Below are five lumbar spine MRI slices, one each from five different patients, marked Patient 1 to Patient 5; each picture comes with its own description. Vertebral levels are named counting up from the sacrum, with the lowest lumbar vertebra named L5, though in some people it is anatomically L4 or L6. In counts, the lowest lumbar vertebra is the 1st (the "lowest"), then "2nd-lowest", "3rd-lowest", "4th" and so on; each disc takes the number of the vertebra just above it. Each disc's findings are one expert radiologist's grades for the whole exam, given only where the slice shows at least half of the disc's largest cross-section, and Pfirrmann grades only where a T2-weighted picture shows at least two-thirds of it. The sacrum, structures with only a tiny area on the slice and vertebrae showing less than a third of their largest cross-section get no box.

Patient 1 of 5:
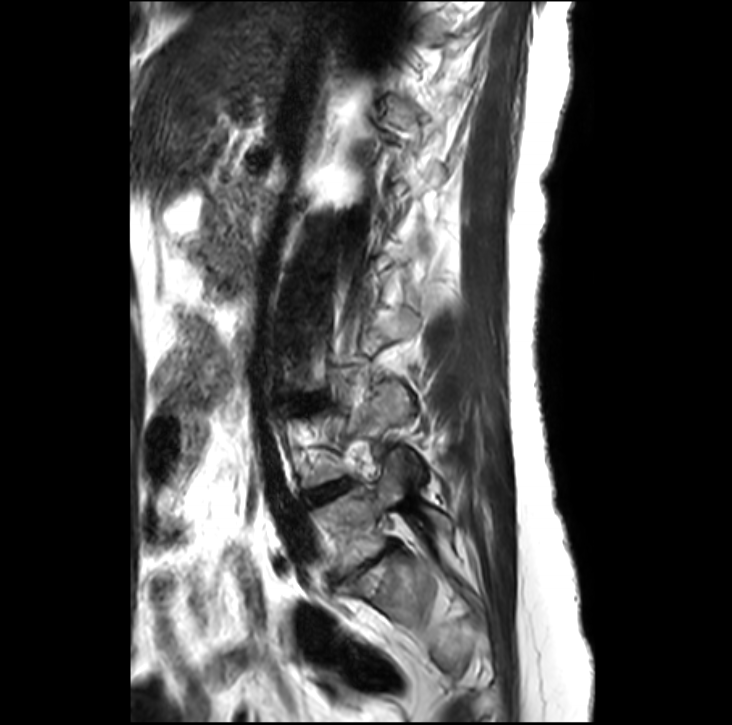 Lumbar spine MR, T2-weighted, sagittal | Slice 10/31 | Sex F

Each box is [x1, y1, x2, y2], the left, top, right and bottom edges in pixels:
L5 at [312, 447, 452, 574] | L4/L5 at [307, 480, 351, 500] | IVD L5/S1 at [330, 539, 397, 590]

Expert MSK radiologist gradings (per disc):
• L5/S1: Pfirrmann grade 5, Modic type II, disc bulging, disc narrowing, upper-endplate change, lower-endplate change

Patient 2 of 5:
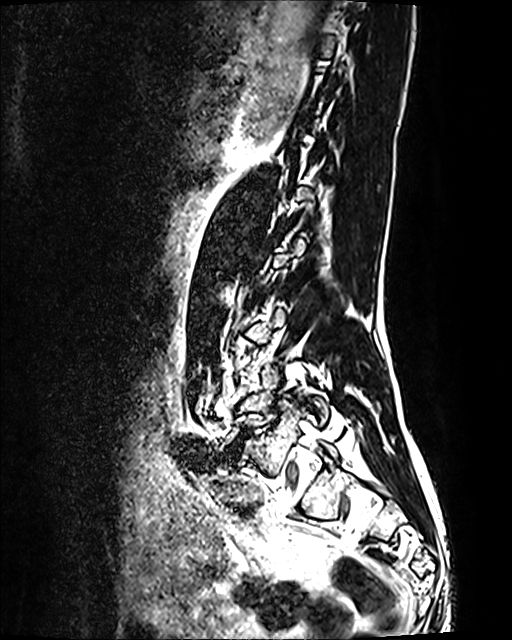 Slice 87/120 | Sex F | T2 SPACE (3D) sagittal MRI of the lumbar spine

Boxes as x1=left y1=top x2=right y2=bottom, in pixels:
L5 = x1=215 y1=365 x2=330 y2=452.
Intervertebral disc L5/S1 = x1=220 y1=427 x2=252 y2=465.

Patient 3 of 5:
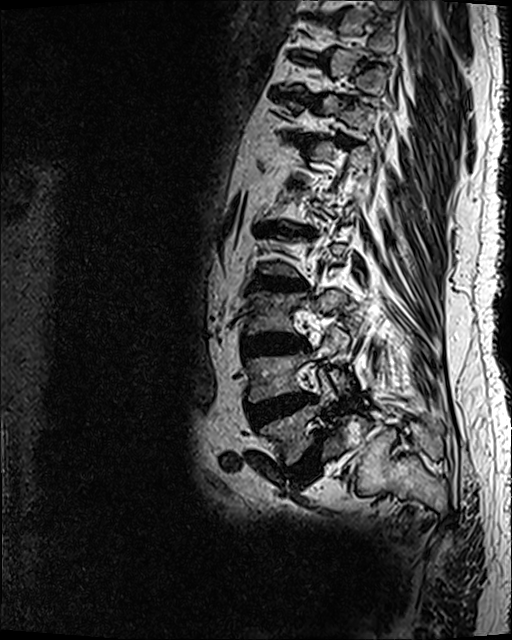 Slice 39 of 120, T2 SPACE (3D) sagittal MRI of the lumbar spine, Sex M
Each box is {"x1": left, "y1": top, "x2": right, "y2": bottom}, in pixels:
3rd-lowest vertebra: {"x1": 244, "y1": 289, "x2": 345, "y2": 333}.
Lowest vertebra: {"x1": 259, "y1": 369, "x2": 337, "y2": 464}.
5th disc: {"x1": 253, "y1": 221, "x2": 315, "y2": 237}.
2nd-lowest disc: {"x1": 247, "y1": 393, "x2": 316, "y2": 430}.
4th disc: {"x1": 250, "y1": 272, "x2": 307, "y2": 291}.
7th disc: {"x1": 282, "y1": 135, "x2": 318, "y2": 144}.
Lowest disc: {"x1": 290, "y1": 430, "x2": 325, "y2": 484}.
8th disc: {"x1": 269, "y1": 88, "x2": 318, "y2": 105}.
2nd-lowest vertebra: {"x1": 244, "y1": 327, "x2": 350, "y2": 402}.
3rd-lowest disc: {"x1": 243, "y1": 333, "x2": 306, "y2": 356}.

Expert MSK radiologist gradings (per disc):
- 2nd-lowest disc: Pfirrmann grade 5, upper-endplate change, lower-endplate change, Modic type II, disc narrowing, disc bulging
- lowest disc: Pfirrmann grade 5, upper-endplate change, spondylolisthesis, lower-endplate change, Modic type II, disc narrowing, disc bulging
- 4th disc: disc narrowing, upper-endplate change, Modic type II, lower-endplate change, disc bulging
- 3rd-lowest disc: Pfirrmann grade 5, Modic type II, upper-endplate change, disc bulging, disc narrowing, lower-endplate change

Patient 4 of 5:
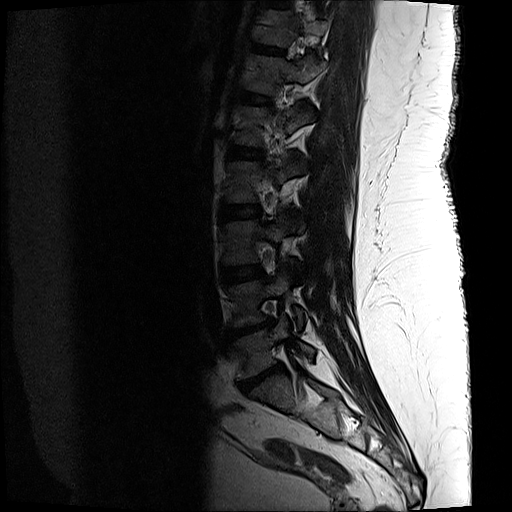

MRI lumbar spine (T2-weighted), sagittal plane.

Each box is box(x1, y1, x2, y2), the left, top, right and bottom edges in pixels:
* L4/L5 — box(230, 318, 274, 337)
* L3/L4 — box(223, 265, 263, 281)
* intervertebral disc T12/L1 — box(242, 93, 269, 102)
* intervertebral disc L5/S1 — box(240, 363, 283, 393)
* L5 vertebra — box(234, 314, 315, 378)
* L4 — box(228, 261, 304, 326)
* T12 vertebra — box(248, 55, 324, 94)
* T11 vertebra — box(260, 10, 328, 46)
* L2 — box(227, 156, 306, 202)
* L1/L2 — box(229, 147, 262, 157)
* L2/L3 — box(221, 205, 260, 218)
* L3 — box(224, 211, 305, 264)
* intervertebral disc T11/T12 — box(255, 45, 284, 54)
* L1 — box(236, 106, 314, 145)

Degenerative findings by level:
- L1/L2: lower-endplate change
- L5/S1: disc herniation, Modic type II, disc narrowing, upper-endplate change, lower-endplate change
- T11/T12: lower-endplate change
- L3/L4: Pfirrmann grade 3
- L2/L3: Pfirrmann grade 3, upper-endplate change, lower-endplate change

Patient 5 of 5:
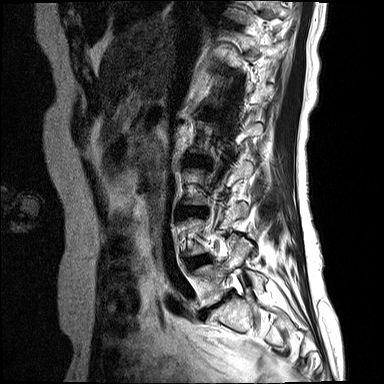
Field of view 280x280 mm. Sagittal T2-weighted lumbar spine MRI. Sex F. Slice 3/15. 384x384 px.

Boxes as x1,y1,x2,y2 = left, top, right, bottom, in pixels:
{"L5/S1": "211,294,230,308", "L5 vertebra": "195,248,263,305", "disc L4/L5": "189,257,209,266"}